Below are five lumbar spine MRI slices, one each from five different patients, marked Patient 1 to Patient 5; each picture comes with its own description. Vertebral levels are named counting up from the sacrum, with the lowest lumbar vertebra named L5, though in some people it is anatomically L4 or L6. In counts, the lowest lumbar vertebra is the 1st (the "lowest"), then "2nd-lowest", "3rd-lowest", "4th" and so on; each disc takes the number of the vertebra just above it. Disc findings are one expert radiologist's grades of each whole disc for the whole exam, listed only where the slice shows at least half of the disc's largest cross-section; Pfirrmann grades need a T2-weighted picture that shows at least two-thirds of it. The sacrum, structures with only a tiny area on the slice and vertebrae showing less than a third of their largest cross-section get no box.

Patient 1 of 5:
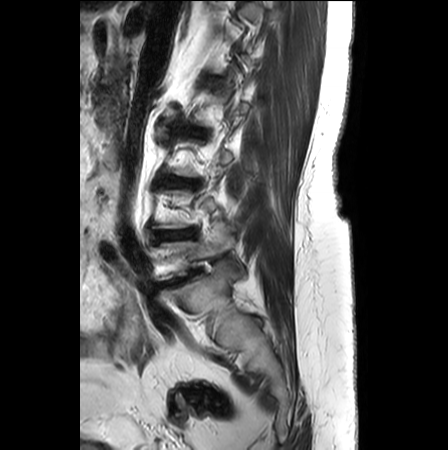

448x450 px; Slice spacing 3.3 mm; Lumbar spine MR, T2-weighted, sagittal

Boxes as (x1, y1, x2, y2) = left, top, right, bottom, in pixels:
L3/L4: (168, 176, 199, 189).
L4/L5: (160, 229, 194, 239).
L5/S1: (158, 268, 201, 287).
IVD L2/L3: (187, 128, 203, 138).
L5: (160, 223, 242, 281).

Expert MSK radiologist gradings (per disc):
- L3/L4: lower-endplate change, disc bulging, Modic type II, disc narrowing, upper-endplate change

Patient 2 of 5:
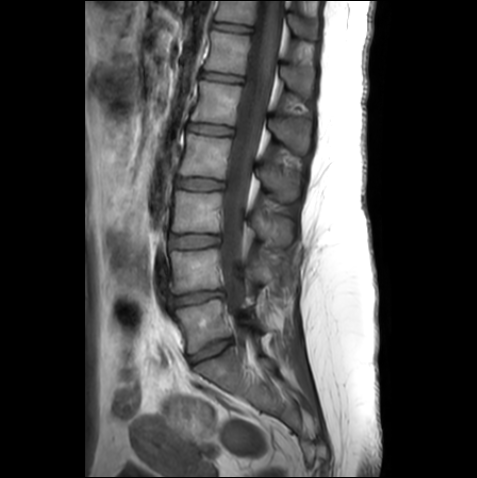
Sagittal slice index 13 | Sex F | Lumbar spine MR, T1-weighted, sagittal
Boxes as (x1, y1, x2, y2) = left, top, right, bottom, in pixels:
7th vertebra at (215, 1, 316, 41), thecal sac / spinal canal at (219, 0, 281, 328), 3rd-lowest disc at (168, 234, 218, 248), 2nd-lowest disc at (168, 290, 224, 305), 2nd-lowest vertebra at (170, 248, 274, 293), 7th disc at (212, 22, 250, 32), 5th vertebra at (190, 81, 310, 152), lowest vertebra at (175, 299, 266, 352), lowest disc at (188, 338, 231, 364), 6th disc at (201, 71, 242, 82), 6th vertebra at (204, 31, 314, 96), 4th disc at (177, 178, 222, 189), 4th vertebra at (180, 134, 299, 200), 3rd-lowest vertebra at (172, 190, 292, 246), 5th disc at (186, 122, 232, 134).

Per-level radiological findings:
- 2nd-lowest disc: disc narrowing, disc bulging
- 3rd-lowest disc, 7th disc, 5th disc, 6th disc, 4th disc, lowest disc: no Modic or endplate change, herniation, narrowing, bulging or spondylolisthesis recorded

Patient 3 of 5:
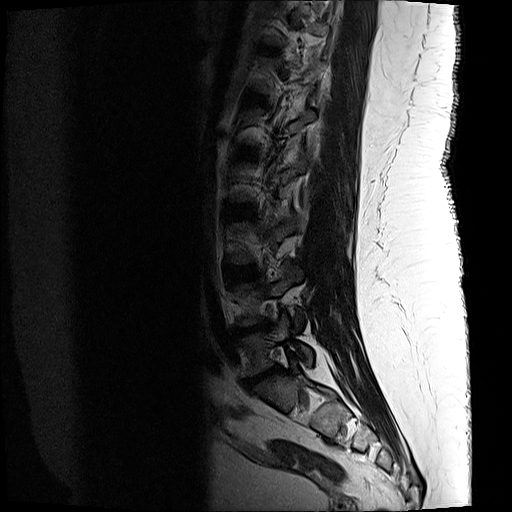
Slice 3/17. Lumbar spine MR, T2-weighted, sagittal. Sex F.
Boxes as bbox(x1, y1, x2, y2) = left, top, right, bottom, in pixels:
Annotations:
- IVD L5/S1 (lowest disc) — bbox(245, 366, 280, 388)
- IVD L3/L4 (3rd-lowest disc) — bbox(234, 266, 255, 279)
- IVD L2/L3 (4th disc) — bbox(239, 206, 251, 214)
- L4/L5 (2nd-lowest disc) — bbox(235, 321, 270, 335)
- L5 (lowest vertebra) — bbox(240, 313, 313, 375)

Patient 4 of 5:
T1-weighted sagittal MRI of the lumbar spine. Sagittal slice index 21. Scanner: Philips Healthcare Ingenia (3T).
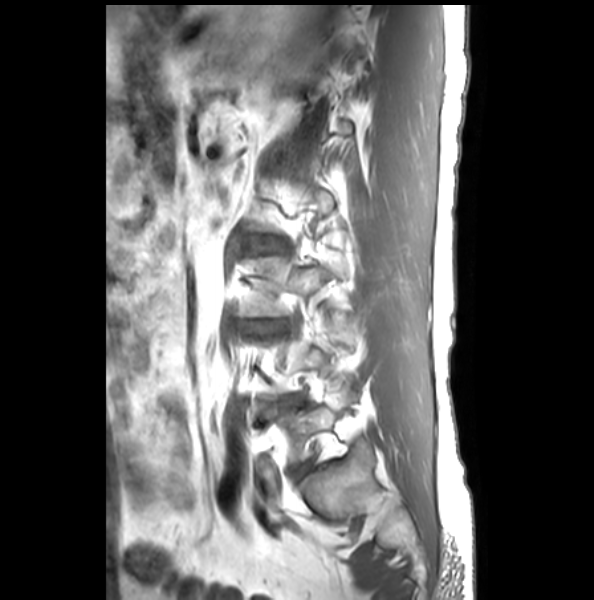 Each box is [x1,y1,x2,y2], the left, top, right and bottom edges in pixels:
L3/L4 = [248,321,279,334].
Intervertebral disc L5/S1 = [294,463,312,480].
Intervertebral disc L4/L5 = [261,395,304,416].
L3 = [239,257,344,318].

Patient 5 of 5:
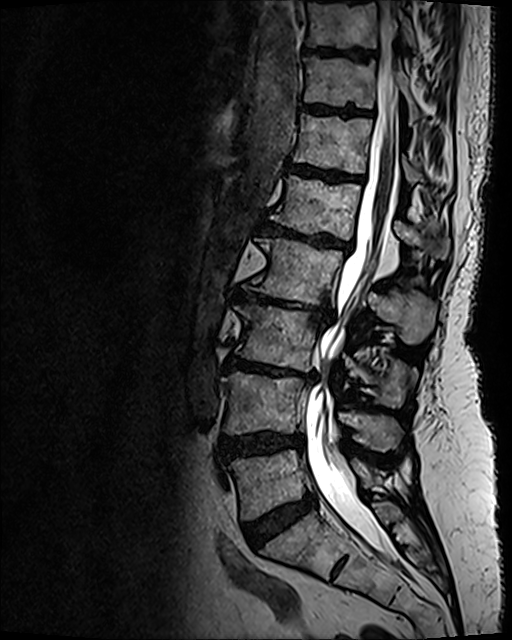 Patient sex: F; T2 SPACE (3D) sagittal MRI of the lumbar spine; Slice spacing 0.9 mm; Slice 58/120
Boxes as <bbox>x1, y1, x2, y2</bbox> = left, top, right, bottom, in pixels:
T12 (6th vertebra): <bbox>293, 113, 422, 184</bbox>
T11/T12 (7th disc): <bbox>305, 106, 370, 114</bbox>
L4/L5 (2nd-lowest disc): <bbox>220, 432, 303, 458</bbox>
L5 (lowest vertebra): <bbox>229, 449, 375, 519</bbox>
T10/T11 (8th disc): <bbox>306, 48, 372, 57</bbox>
L1 (5th vertebra): <bbox>270, 175, 448, 257</bbox>
L4 (2nd-lowest vertebra): <bbox>222, 372, 402, 450</bbox>
IVD L2/L3 (4th disc): <bbox>236, 289, 332, 324</bbox>
T10 (8th vertebra): <bbox>306, 0, 415, 49</bbox>
L3 (3rd-lowest vertebra): <bbox>236, 305, 414, 407</bbox>
T11 (7th vertebra): <bbox>303, 57, 422, 121</bbox>
spinal canal: <bbox>305, 0, 398, 560</bbox>
L3/L4 (3rd-lowest disc): <bbox>225, 357, 315, 380</bbox>
L2 (4th vertebra): <bbox>252, 238, 436, 344</bbox>
L1/L2 (5th disc): <bbox>261, 222, 350, 251</bbox>
IVD L5/S1 (lowest disc): <bbox>243, 494, 315, 547</bbox>
T12/L1 (6th disc): <bbox>289, 165, 362, 180</bbox>

Radiological gradings:
  T11/T12 (7th disc): Pfirrmann grade 4, upper-endplate change, lower-endplate change
  L3/L4 (3rd-lowest disc): disc narrowing, lower-endplate change, disc bulging, upper-endplate change, Modic type II
  L2/L3 (4th disc): Pfirrmann grade 5, upper-endplate change, disc bulging, disc narrowing, lower-endplate change, Modic type II
  T12/L1 (6th disc): Pfirrmann grade 4, Modic type II, lower-endplate change, upper-endplate change
  L5/S1 (lowest disc): Pfirrmann grade 4, disc bulging
  L4/L5 (2nd-lowest disc): Pfirrmann grade 4, lower-endplate change, disc bulging, upper-endplate change
  L1/L2 (5th disc): Pfirrmann grade 5, upper-endplate change, disc bulging, lower-endplate change, disc narrowing, Modic type II
  T10/T11 (8th disc): Pfirrmann grade 4, lower-endplate change, upper-endplate change